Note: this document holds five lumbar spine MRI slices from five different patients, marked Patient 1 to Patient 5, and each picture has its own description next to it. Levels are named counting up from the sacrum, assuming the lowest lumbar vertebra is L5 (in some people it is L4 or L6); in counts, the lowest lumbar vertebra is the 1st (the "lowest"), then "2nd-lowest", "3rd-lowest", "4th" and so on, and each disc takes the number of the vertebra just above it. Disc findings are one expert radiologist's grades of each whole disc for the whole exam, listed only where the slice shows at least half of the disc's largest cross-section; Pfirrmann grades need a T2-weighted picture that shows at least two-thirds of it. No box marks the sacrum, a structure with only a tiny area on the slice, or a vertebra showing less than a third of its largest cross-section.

Patient 1 of 5:
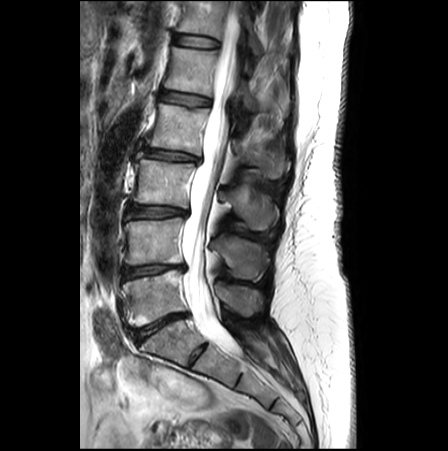 Patient sex: F | Sagittal T2-weighted lumbar spine MRI

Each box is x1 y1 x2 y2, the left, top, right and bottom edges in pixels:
L1 (5th vertebra): 164 47 287 111.
L2 (4th vertebra): 150 104 289 178.
Thecal sac / spinal canal: 182 0 240 352.
T12/L1 (6th disc): 173 33 219 47.
L4 (2nd-lowest vertebra): 124 217 265 277.
Intervertebral disc L1/L2 (5th disc): 160 91 210 105.
Intervertebral disc L3/L4 (3rd-lowest disc): 127 205 186 218.
L5 (lowest vertebra): 123 269 260 326.
Intervertebral disc L2/L3 (4th disc): 144 147 199 161.
L3 (3rd-lowest vertebra): 135 159 277 229.
T12 (6th vertebra): 177 0 262 57.
L4/L5 (2nd-lowest disc): 122 265 184 279.
Intervertebral disc L5/S1 (lowest disc): 132 313 187 343.

Radiological gradings:
  T12/L1 (6th disc): Pfirrmann grade 1
  L4/L5 (2nd-lowest disc): Pfirrmann grade 3, disc narrowing, Modic type II, upper-endplate change, disc bulging
  L3/L4 (3rd-lowest disc): Pfirrmann grade 2, Modic type II, disc bulging
  L5/S1 (lowest disc): Pfirrmann grade 4, disc narrowing, disc bulging, Modic type II
  L2/L3 (4th disc): Pfirrmann grade 2, disc narrowing, disc bulging
  L1/L2 (5th disc): Pfirrmann grade 1

Patient 2 of 5:
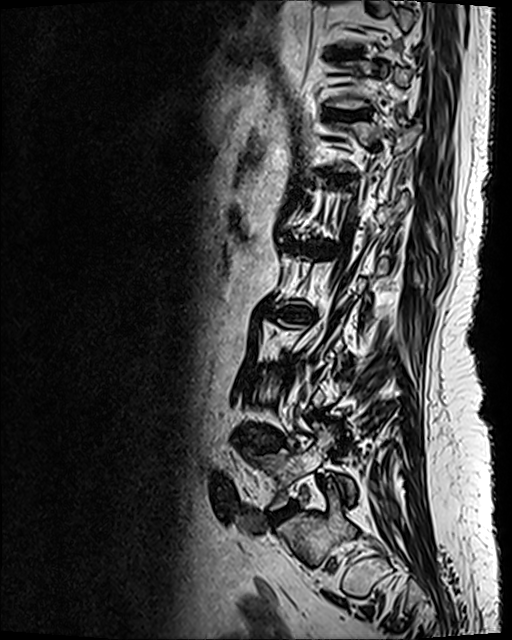 T2 SPACE (3D) sagittal MRI of the lumbar spine. Patient sex: F. Image 512x640.
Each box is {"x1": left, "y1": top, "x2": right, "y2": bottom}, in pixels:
* 2nd-lowest disc: {"x1": 244, "y1": 435, "x2": 280, "y2": 447}
* lowest vertebra: {"x1": 260, "y1": 424, "x2": 354, "y2": 508}
* 7th disc: {"x1": 341, "y1": 113, "x2": 363, "y2": 119}
* 4th disc: {"x1": 269, "y1": 307, "x2": 310, "y2": 321}
* 5th disc: {"x1": 292, "y1": 243, "x2": 336, "y2": 257}

Radiological gradings:
• 5th disc: upper-endplate change, disc narrowing, lower-endplate change, Modic type II, disc bulging

Patient 3 of 5:
Lumbar spine MR, T2-weighted, sagittal; Patient sex: M; Slice 21 of 30
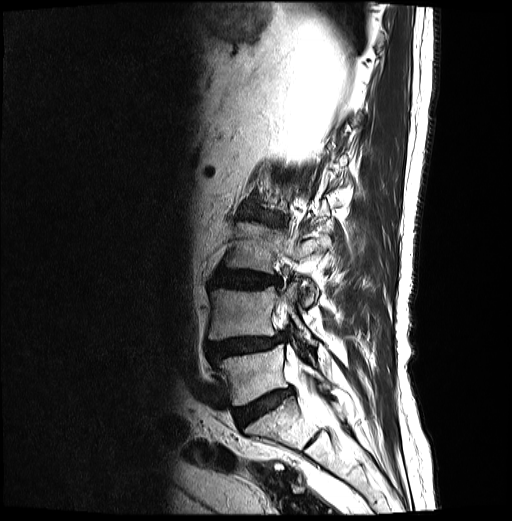 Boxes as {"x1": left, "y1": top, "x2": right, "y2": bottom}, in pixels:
Intervertebral disc L4/L5 (2nd-lowest disc): {"x1": 207, "y1": 334, "x2": 284, "y2": 360}.
Intervertebral disc L5/S1 (lowest disc): {"x1": 235, "y1": 389, "x2": 291, "y2": 426}.
L5 (lowest vertebra): {"x1": 217, "y1": 345, "x2": 329, "y2": 405}.
Intervertebral disc L3/L4 (3rd-lowest disc): {"x1": 212, "y1": 270, "x2": 280, "y2": 289}.
Spinal canal: {"x1": 276, "y1": 305, "x2": 335, "y2": 426}.
L4 (2nd-lowest vertebra): {"x1": 208, "y1": 282, "x2": 317, "y2": 345}.
L3 (3rd-lowest vertebra): {"x1": 225, "y1": 223, "x2": 330, "y2": 306}.

Per-level radiological findings:
- L3/L4 (3rd-lowest disc): Pfirrmann grade 4, lower-endplate change, disc bulging, upper-endplate change
- L5/S1 (lowest disc): Pfirrmann grade 4
- L4/L5 (2nd-lowest disc): Pfirrmann grade 4, disc narrowing, disc herniation, spondylolisthesis, Modic type II, disc bulging, lower-endplate change, upper-endplate change

Patient 4 of 5:
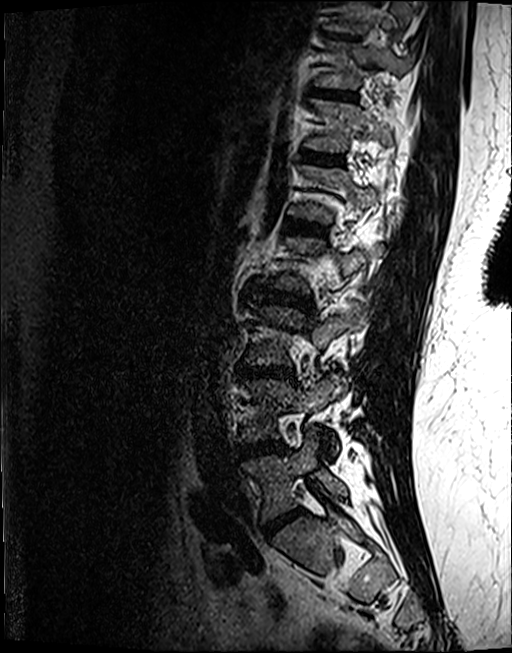
Slice 41 of 122, Patient sex: F, Sagittal T2 SPACE (3D) lumbar spine MRI, Slice spacing 0.9 mm

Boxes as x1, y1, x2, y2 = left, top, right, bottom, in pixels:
L5/S1: 264, 509, 302, 537.
L4 vertebra: 239, 371, 347, 451.
L4/L5: 237, 441, 284, 457.
T12 vertebra: 303, 98, 392, 152.
L5 vertebra: 242, 433, 346, 520.
Intervertebral disc L3/L4: 238, 365, 293, 377.
L3: 246, 301, 366, 364.
L2/L3: 250, 284, 311, 308.
Intervertebral disc T12/L1: 302, 150, 342, 163.
T11 vertebra: 316, 41, 412, 88.
L1/L2: 286, 218, 325, 234.
Intervertebral disc T11/T12: 313, 89, 356, 98.

Expert MSK radiologist gradings (per disc):
  L2/L3: Pfirrmann grade 4, disc bulging, lower-endplate change, upper-endplate change
  L3/L4: disc bulging, upper-endplate change, disc narrowing, lower-endplate change, Modic type II

Patient 5 of 5:
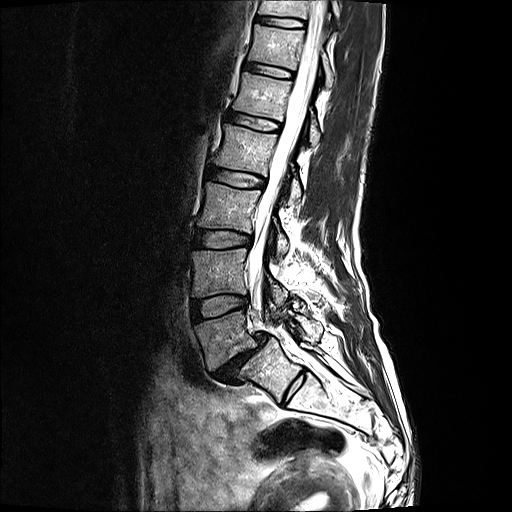

Slice spacing 3.3 mm. T2-weighted sagittal MRI of the lumbar spine. Slice 7/17. 512x512 px.
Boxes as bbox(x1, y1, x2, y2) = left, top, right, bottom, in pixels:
Structures:
• intervertebral disc T12/L1: bbox(244, 62, 293, 77)
• L3/L4: bbox(194, 229, 252, 247)
• L2 vertebra: bbox(216, 124, 302, 203)
• intervertebral disc L5/S1: bbox(211, 333, 268, 382)
• T12: bbox(249, 24, 334, 86)
• L3 vertebra: bbox(200, 181, 290, 254)
• L5 vertebra: bbox(196, 311, 323, 370)
• thecal sac / spinal canal: bbox(249, 0, 330, 330)
• intervertebral disc T11/T12: bbox(257, 15, 304, 27)
• L1 vertebra: bbox(234, 72, 321, 143)
• intervertebral disc L2/L3: bbox(209, 167, 266, 187)
• intervertebral disc L4/L5: bbox(192, 295, 248, 319)
• T11 vertebra: bbox(258, 0, 340, 28)
• L4 vertebra: bbox(193, 248, 288, 307)
• intervertebral disc L1/L2: bbox(228, 112, 280, 130)

Per-level radiological findings:
• T11/T12: Pfirrmann grade 2
• L1/L2: Pfirrmann grade 2
• L5/S1: Pfirrmann grade 5, Modic type II, disc narrowing, disc bulging, spondylolisthesis
• L2/L3: Pfirrmann grade 2
• T12/L1: Pfirrmann grade 2
• L4/L5: Pfirrmann grade 2
• L3/L4: Pfirrmann grade 2